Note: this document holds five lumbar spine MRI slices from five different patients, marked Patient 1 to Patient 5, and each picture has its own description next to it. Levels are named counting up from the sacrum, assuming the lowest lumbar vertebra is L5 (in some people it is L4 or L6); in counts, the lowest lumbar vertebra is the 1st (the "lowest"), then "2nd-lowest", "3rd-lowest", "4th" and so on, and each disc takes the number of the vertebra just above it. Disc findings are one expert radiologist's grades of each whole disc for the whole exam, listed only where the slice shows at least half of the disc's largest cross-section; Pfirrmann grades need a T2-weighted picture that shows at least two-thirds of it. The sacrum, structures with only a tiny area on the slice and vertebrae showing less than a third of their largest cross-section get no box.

Patient 1 of 5:
SIEMENS Avanto_fit (1.5T); Sex M; Lumbar spine MR, T2 SPACE (3D), sagittal; Slice 44/120
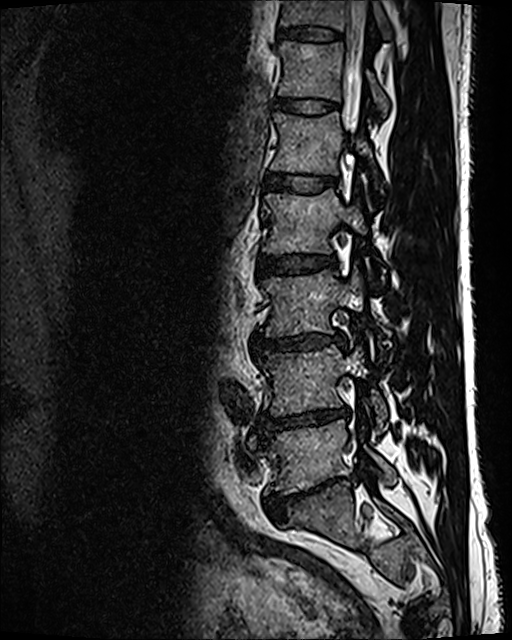

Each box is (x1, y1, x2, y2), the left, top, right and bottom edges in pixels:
L2 at (262, 188, 381, 277), intervertebral disc L5/S1 at (266, 480, 336, 520), L5 vertebra at (264, 420, 397, 494), spinal canal at (262, 1, 368, 200), L3 vertebra at (265, 269, 365, 335), L1 at (271, 112, 373, 175), L3/L4 at (256, 334, 344, 350), T11 at (280, 0, 393, 40), intervertebral disc L4/L5 at (262, 407, 347, 436), L4 at (258, 345, 388, 433), intervertebral disc T12/L1 at (275, 97, 337, 113), T12 vertebra at (278, 41, 388, 115), intervertebral disc T11/T12 at (275, 26, 342, 41), L1/L2 at (267, 173, 336, 192), intervertebral disc L2/L3 at (258, 255, 334, 277).

Per-level radiological findings:
  L4/L5: Pfirrmann grade 5, disc bulging, disc narrowing, lower-endplate change, Modic type II
  T11/T12: Pfirrmann grade 2
  L1/L2: Pfirrmann grade 2
  L2/L3: Pfirrmann grade 2
  T12/L1: Pfirrmann grade 2
  L5/S1: spondylolisthesis, disc narrowing, lower-endplate change, disc bulging
  L3/L4: Pfirrmann grade 3, disc narrowing, disc bulging

Patient 2 of 5:
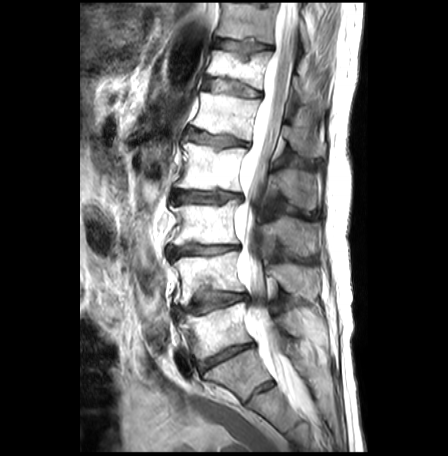
MRI lumbar spine (T2-weighted), sagittal plane, Slice 17/30, Patient sex: M, Field of view 280x285 mm
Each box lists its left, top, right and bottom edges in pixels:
L3 (3rd-lowest vertebra) at left=170, top=199, right=315, bottom=254; L4 (2nd-lowest vertebra) at left=173, top=252, right=313, bottom=305; intervertebral disc L2/L3 (4th disc) at left=174, top=191, right=241, bottom=202; L2 (4th vertebra) at left=176, top=143, right=314, bottom=209; thecal sac / spinal canal at left=235, top=3, right=310, bottom=412; intervertebral disc L4/L5 (2nd-lowest disc) at left=174, top=287, right=249, bottom=315; T12 (6th vertebra) at left=208, top=50, right=309, bottom=101; intervertebral disc L1/L2 (5th disc) at left=188, top=129, right=248, bottom=146; intervertebral disc L5/S1 (lowest disc) at left=198, top=343, right=253, bottom=372; intervertebral disc T12/L1 (6th disc) at left=203, top=78, right=260, bottom=96; T11 (7th vertebra) at left=216, top=3, right=311, bottom=51; L5 (lowest vertebra) at left=180, top=302, right=301, bottom=358; intervertebral disc L3/L4 (3rd-lowest disc) at left=166, top=244, right=238, bottom=259; T11/T12 (7th disc) at left=214, top=38, right=271, bottom=60; L1 (5th vertebra) at left=193, top=91, right=324, bottom=156.

Per-level radiological findings:
  L1/L2 (5th disc): Pfirrmann grade 3, Modic type II, lower-endplate change, disc bulging, upper-endplate change
  T11/T12 (7th disc): Pfirrmann grade 1, upper-endplate change, Modic type II, lower-endplate change
  L4/L5 (2nd-lowest disc): Pfirrmann grade 2, upper-endplate change, Modic type II, disc bulging, lower-endplate change
  L3/L4 (3rd-lowest disc): lower-endplate change, upper-endplate change, Modic type II, disc bulging, disc narrowing
  T12/L1 (6th disc): Pfirrmann grade 3, disc bulging, upper-endplate change, lower-endplate change, Modic type II
  L5/S1 (lowest disc): Pfirrmann grade 5, Modic type II, disc bulging, disc narrowing
  L2/L3 (4th disc): upper-endplate change, Modic type II, disc bulging, lower-endplate change, disc narrowing

Patient 3 of 5:
Sex F, MRI lumbar spine (T1-weighted), sagittal plane, 896x896 px

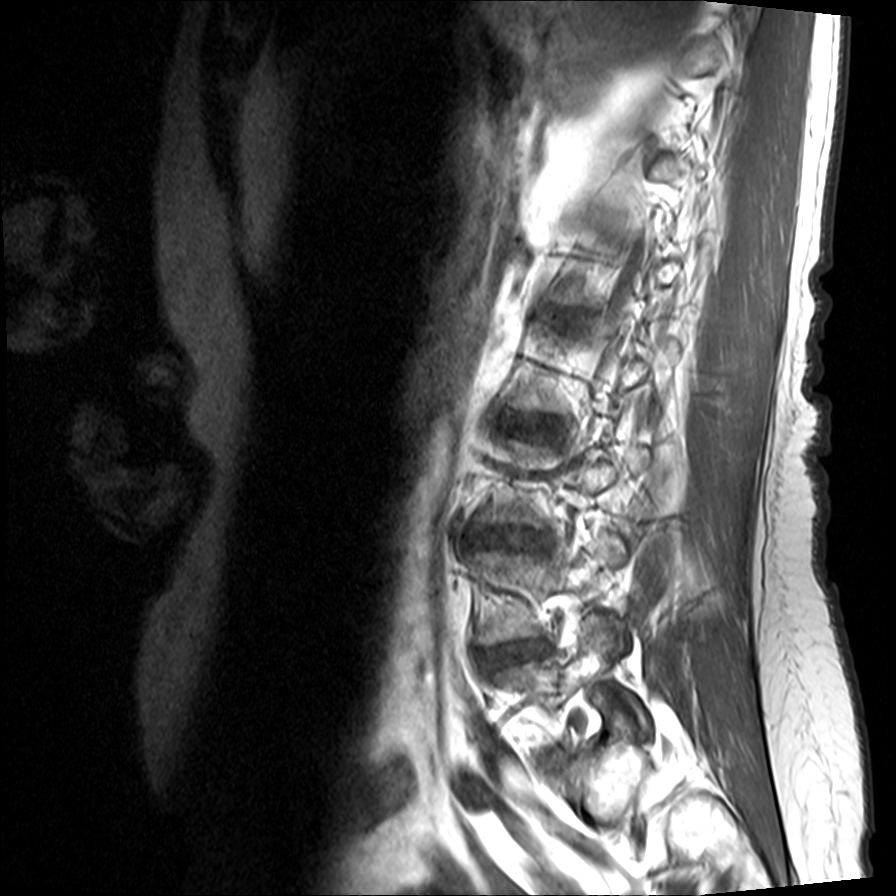 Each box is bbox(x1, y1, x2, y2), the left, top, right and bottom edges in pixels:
Annotations:
* 3rd-lowest disc at bbox(480, 527, 539, 548)
* 2nd-lowest disc at bbox(486, 641, 543, 665)
* lowest vertebra at bbox(511, 615, 648, 728)
* 4th disc at bbox(520, 416, 549, 432)

Patient 4 of 5:
Field of view 300x300 mm, slice spacing 3.3 mm, T2-weighted sagittal MRI of the lumbar spine

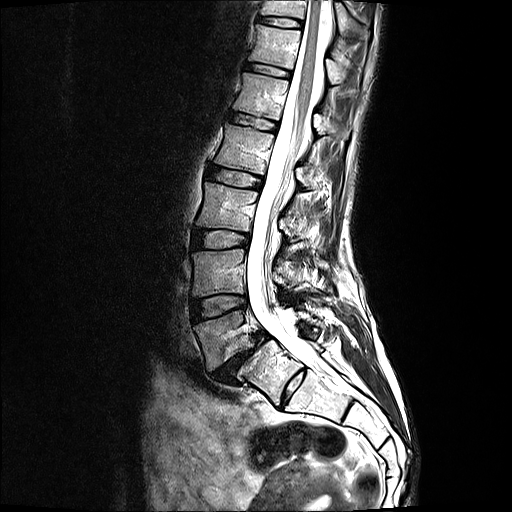

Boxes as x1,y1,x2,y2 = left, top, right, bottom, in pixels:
T12/L1: 246,62,292,77.
Thecal sac / spinal canal: 247,0,330,368.
L2 vertebra: 217,123,323,186.
L5/S1: 209,332,269,382.
Disc L1/L2: 229,112,278,130.
L2/L3: 209,166,265,189.
L4/L5: 192,295,247,320.
L3/L4: 194,229,250,247.
T11/T12: 259,16,303,26.
T11 vertebra: 261,0,369,38.
L4: 193,248,289,295.
T12: 251,23,358,86.
L5 vertebra: 195,310,323,370.
L3 vertebra: 198,182,309,241.
L1: 234,72,351,138.

Expert MSK radiologist gradings (per disc):
• L3/L4: Pfirrmann grade 2
• T12/L1: Pfirrmann grade 2
• L5/S1: Pfirrmann grade 5, disc bulging, Modic type II, spondylolisthesis, disc narrowing
• L2/L3: Pfirrmann grade 2
• T11/T12: Pfirrmann grade 2
• L4/L5: Pfirrmann grade 2
• L1/L2: Pfirrmann grade 2

Patient 5 of 5:
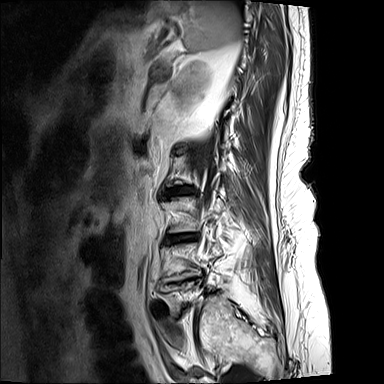 Lumbar spine MR, T2-weighted, sagittal, Slice 15/17

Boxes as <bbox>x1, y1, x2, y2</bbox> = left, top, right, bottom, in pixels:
L3/L4 (3rd-lowest disc) at <bbox>169, 234, 197, 242</bbox>, intervertebral disc L2/L3 (4th disc) at <bbox>175, 187, 191, 192</bbox>.

Degenerative findings by level:
- L3/L4 (3rd-lowest disc): lower-endplate change, disc narrowing, disc bulging, Modic type II, upper-endplate change